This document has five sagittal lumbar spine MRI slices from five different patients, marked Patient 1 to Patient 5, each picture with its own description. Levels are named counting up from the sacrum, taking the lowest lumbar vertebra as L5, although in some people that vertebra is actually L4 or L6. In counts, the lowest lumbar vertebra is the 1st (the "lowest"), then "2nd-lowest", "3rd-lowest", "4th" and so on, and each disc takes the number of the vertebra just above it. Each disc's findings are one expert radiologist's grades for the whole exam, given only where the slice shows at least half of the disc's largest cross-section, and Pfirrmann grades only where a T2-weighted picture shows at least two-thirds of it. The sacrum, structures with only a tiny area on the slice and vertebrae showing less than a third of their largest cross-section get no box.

Patient 1 of 5:
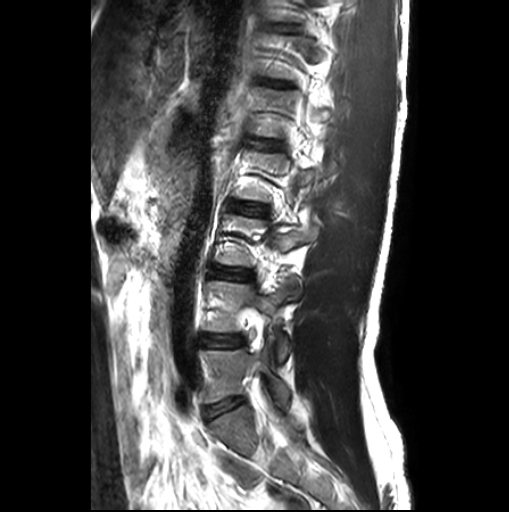 Image 509x512 | Sagittal T2-weighted lumbar spine MRI | Slice spacing 3.3 mm
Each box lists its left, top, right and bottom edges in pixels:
IVD L5/S1: left=204, top=399, right=240, bottom=417
IVD L4/L5: left=204, top=336, right=241, bottom=346
L3/L4: left=218, top=269, right=251, bottom=279
L5 vertebra: left=202, top=336, right=288, bottom=407
L4: left=209, top=279, right=300, bottom=362

Patient 2 of 5:
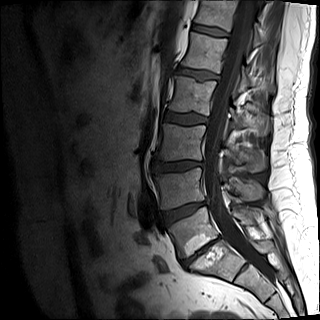 Lumbar spine MR, T1-weighted, sagittal. Slice 7 of 15. Slice spacing 4.8 mm. 320x320 px.

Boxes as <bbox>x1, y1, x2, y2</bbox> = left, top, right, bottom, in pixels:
Intervertebral disc L2/L3 at <bbox>164, 112, 208, 124</bbox>, L2 vertebra at <bbox>169, 76, 271, 135</bbox>, L1 vertebra at <bbox>181, 32, 275, 92</bbox>, T12/L1 at <bbox>192, 23, 229, 37</bbox>, L1/L2 at <bbox>177, 67, 219, 80</bbox>, intervertebral disc L4/L5 at <bbox>164, 202, 205, 224</bbox>, intervertebral disc L5/S1 at <bbox>182, 238, 219, 265</bbox>, T12 at <bbox>195, 0, 262, 46</bbox>, L3 vertebra at <bbox>156, 123, 266, 172</bbox>, thecal sac / spinal canal at <bbox>204, 0, 268, 276</bbox>, L5 vertebra at <bbox>168, 207, 259, 257</bbox>, L3/L4 at <bbox>155, 161, 203, 172</bbox>, L4 vertebra at <bbox>156, 168, 263, 209</bbox>.

Per-level radiological findings:
• L4/L5: disc narrowing, disc bulging, lower-endplate change
• L3/L4: disc bulging
• L1/L2: upper-endplate change
• L5/S1: lower-endplate change, disc bulging, upper-endplate change, Modic type II, disc narrowing
• T12/L1, L2/L3: no herniation, bulging, narrowing, spondylolisthesis, endplate or Modic change recorded

Patient 3 of 5:
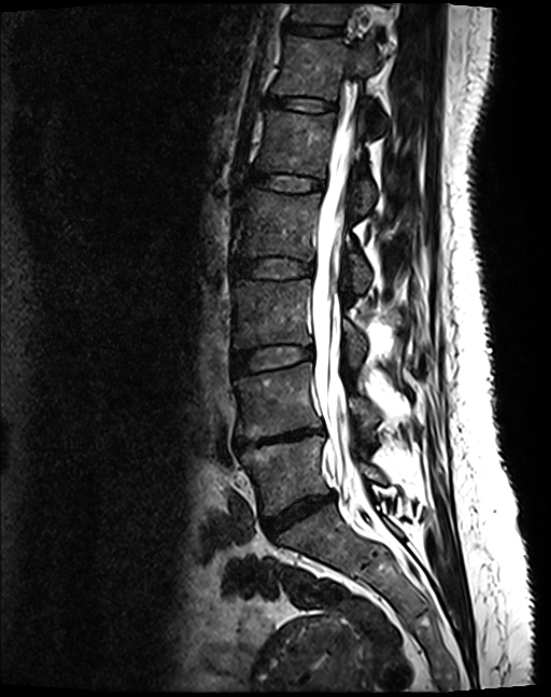 Slice 61/130. Sagittal T2 SPACE (3D) lumbar spine MRI.
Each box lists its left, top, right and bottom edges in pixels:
Segmented structures:
- T11/T12 (7th disc) — left=286, top=23, right=339, bottom=35
- disc L4/L5 (2nd-lowest disc) — left=235, top=428, right=323, bottom=449
- L1 (5th vertebra) — left=257, top=110, right=375, bottom=212
- L5 (lowest vertebra) — left=241, top=435, right=381, bottom=516
- T11 (7th vertebra) — left=294, top=3, right=348, bottom=24
- L1/L2 (5th disc) — left=249, top=173, right=323, bottom=190
- thecal sac / spinal canal — left=312, top=121, right=359, bottom=488
- L2/L3 (4th disc) — left=233, top=257, right=313, bottom=278
- L3 (3rd-lowest vertebra) — left=233, top=280, right=364, bottom=369
- L3/L4 (3rd-lowest disc) — left=233, top=346, right=313, bottom=372
- T12 (6th vertebra) — left=274, top=36, right=383, bottom=126
- L4 (2nd-lowest vertebra) — left=235, top=364, right=376, bottom=439
- L5/S1 (lowest disc) — left=264, top=493, right=334, bottom=535
- L2 (4th vertebra) — left=236, top=189, right=370, bottom=294
- disc T12/L1 (6th disc) — left=267, top=96, right=333, bottom=110

Degenerative findings by level:
- L1/L2 (5th disc): Pfirrmann grade 2
- L2/L3 (4th disc): Pfirrmann grade 2
- L5/S1 (lowest disc): Pfirrmann grade 4, disc bulging, disc narrowing
- T12/L1 (6th disc): Pfirrmann grade 2
- L4/L5 (2nd-lowest disc): Pfirrmann grade 5, disc bulging, upper-endplate change, Modic type II, disc narrowing, lower-endplate change
- L3/L4 (3rd-lowest disc): Pfirrmann grade 2
- T11/T12 (7th disc): no spondylolisthesis, narrowing, bulging, herniation, Modic or endplate change recorded

Patient 4 of 5:
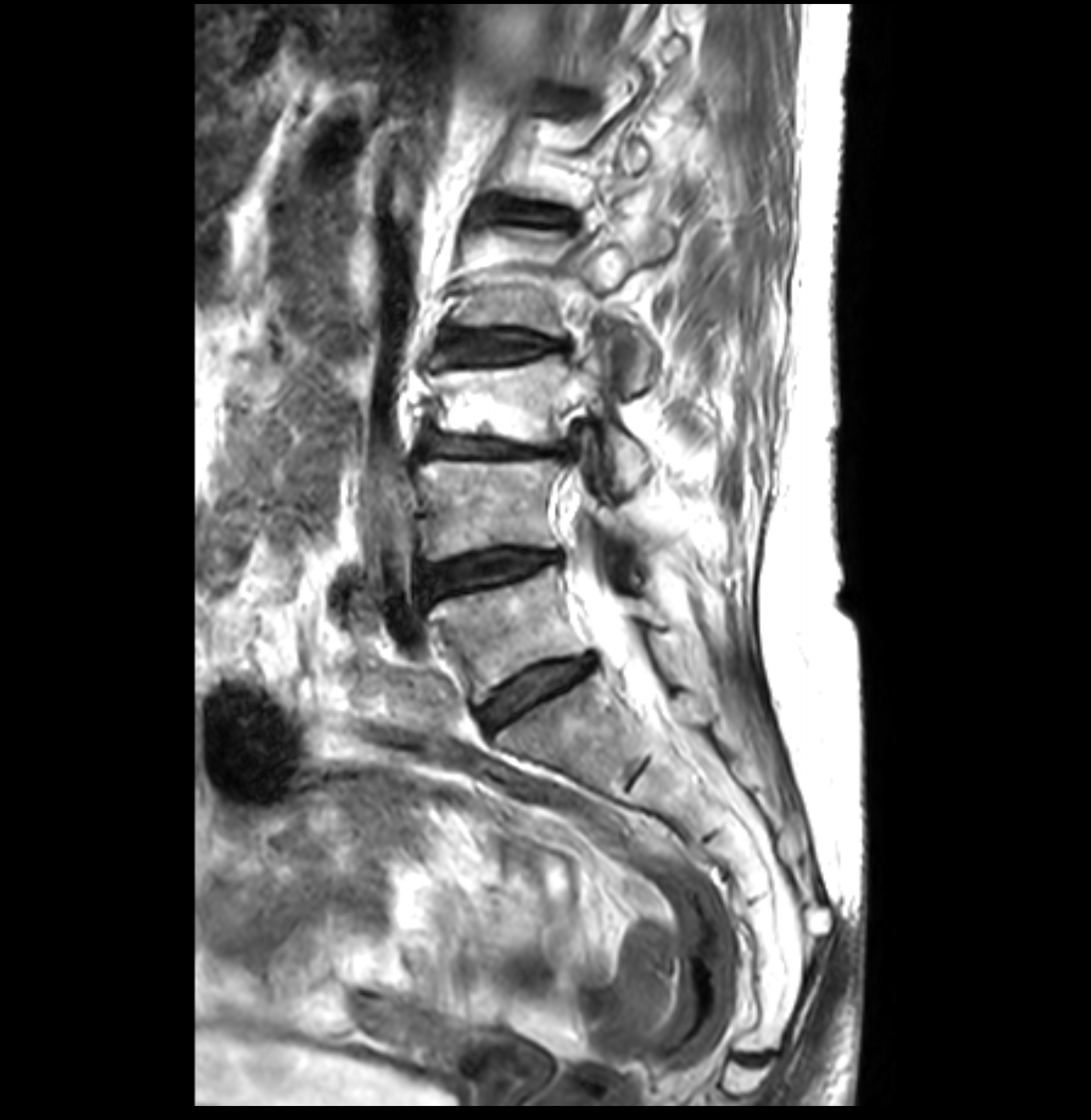

Lumbar spine MR, T2-weighted, sagittal. Field of view 280x287 mm.
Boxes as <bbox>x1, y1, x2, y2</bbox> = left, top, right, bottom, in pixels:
{"disc L5/S1": "<bbox>480, 655, 594, 729</bbox>", "thecal sac / spinal canal": "<bbox>572, 541, 640, 667</bbox>", "L3/L4": "<bbox>424, 430, 570, 457</bbox>", "L4": "<bbox>419, 458, 645, 560</bbox>", "disc L4/L5": "<bbox>421, 547, 562, 600</bbox>", "L2 vertebra": "<bbox>460, 222, 672, 395</bbox>", "L3 vertebra": "<bbox>429, 344, 650, 495</bbox>", "L2/L3": "<bbox>436, 331, 572, 364</bbox>", "L1/L2": "<bbox>504, 202, 572, 230</bbox>", "L5": "<bbox>429, 566, 664, 703</bbox>"}

Per-level radiological findings:
  L3/L4: upper-endplate change, Modic type II, disc bulging, disc narrowing
  L4/L5: Pfirrmann grade 3, disc bulging, disc narrowing, Modic type II
  L2/L3: Pfirrmann grade 3, disc bulging, Modic type II
  L5/S1: Pfirrmann grade 3, disc bulging

Patient 5 of 5:
Lumbar spine MR, T2-weighted, sagittal 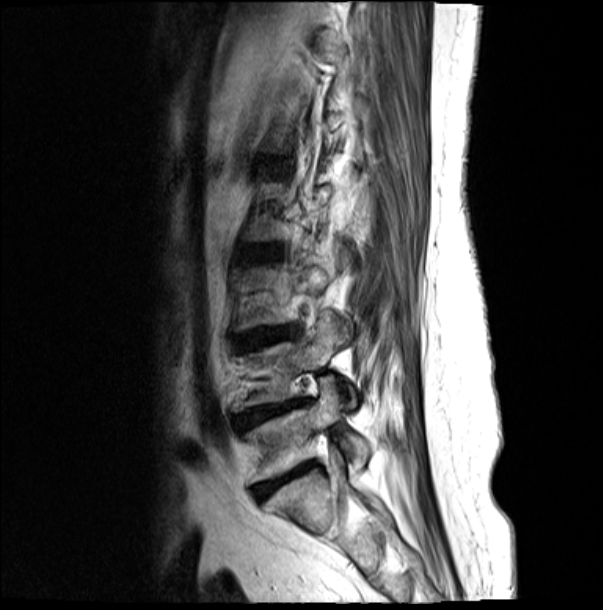
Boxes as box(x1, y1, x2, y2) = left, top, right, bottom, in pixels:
lowest vertebra: box(245, 377, 369, 482) | lowest disc: box(254, 463, 313, 498) | 2nd-lowest vertebra: box(234, 315, 352, 410) | 4th disc: box(249, 246, 278, 260) | 2nd-lowest disc: box(237, 403, 294, 428) | 3rd-lowest disc: box(240, 328, 289, 348)

Per-level radiological findings:
- lowest disc: disc narrowing, upper-endplate change, lower-endplate change, Modic type II, disc bulging
- 3rd-lowest disc: disc bulging, lower-endplate change, Modic type II, disc narrowing, upper-endplate change